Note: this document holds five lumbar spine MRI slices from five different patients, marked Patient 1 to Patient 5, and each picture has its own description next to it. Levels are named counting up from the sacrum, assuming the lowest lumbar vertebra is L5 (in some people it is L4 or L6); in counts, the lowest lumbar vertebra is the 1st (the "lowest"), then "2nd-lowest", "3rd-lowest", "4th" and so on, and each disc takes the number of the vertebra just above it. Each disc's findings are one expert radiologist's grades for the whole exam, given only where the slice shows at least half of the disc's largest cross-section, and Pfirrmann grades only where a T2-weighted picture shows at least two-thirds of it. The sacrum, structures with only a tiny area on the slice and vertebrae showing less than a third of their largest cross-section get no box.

Patient 1 of 5:
Lumbar spine MR, T2-weighted, sagittal 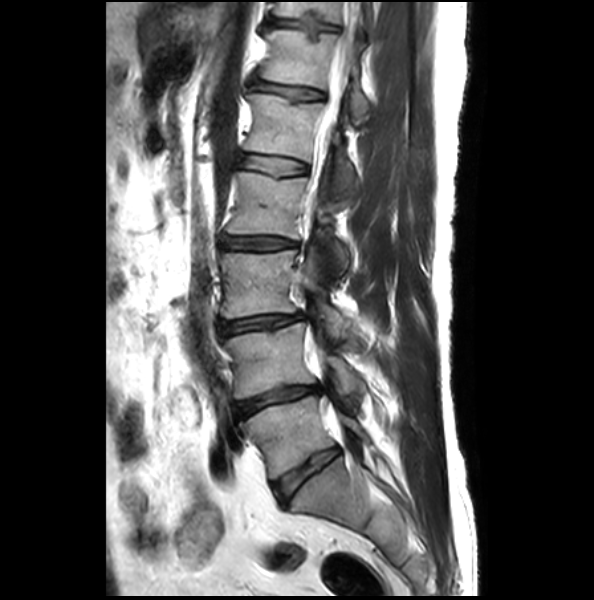 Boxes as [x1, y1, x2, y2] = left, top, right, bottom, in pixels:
L5 (lowest vertebra) at [240, 394, 374, 480], intervertebral disc L5/S1 (lowest disc) at [273, 447, 340, 501], intervertebral disc T11/T12 (7th disc) at [269, 20, 337, 37], T12/L1 (6th disc) at [255, 82, 322, 100], L3 (3rd-lowest vertebra) at [221, 243, 348, 342], spinal canal at [320, 3, 361, 139], intervertebral disc L3/L4 (3rd-lowest disc) at [220, 314, 301, 336], T12 (6th vertebra) at [260, 31, 370, 124], L4 (2nd-lowest vertebra) at [224, 324, 366, 399], L1/L2 (5th disc) at [241, 156, 307, 176], L2 (4th vertebra) at [227, 163, 349, 271], T11 (7th vertebra) at [274, 2, 376, 33], L4/L5 (2nd-lowest disc) at [235, 385, 319, 418], intervertebral disc L2/L3 (4th disc) at [223, 237, 296, 250], L1 (5th vertebra) at [245, 95, 354, 195].

Expert MSK radiologist gradings (per disc):
- L5/S1 (lowest disc): Pfirrmann grade 1, lower-endplate change, upper-endplate change
- L1/L2 (5th disc): Pfirrmann grade 1, upper-endplate change
- L2/L3 (4th disc): Pfirrmann grade 2, disc narrowing, disc bulging
- T11/T12 (7th disc): Pfirrmann grade 1, upper-endplate change, lower-endplate change, disc bulging
- L4/L5 (2nd-lowest disc): Pfirrmann grade 2, disc narrowing, disc bulging, lower-endplate change
- L3/L4 (3rd-lowest disc): Pfirrmann grade 2, disc narrowing, disc bulging
- T12/L1 (6th disc): Pfirrmann grade 2, disc bulging, upper-endplate change

Patient 2 of 5:
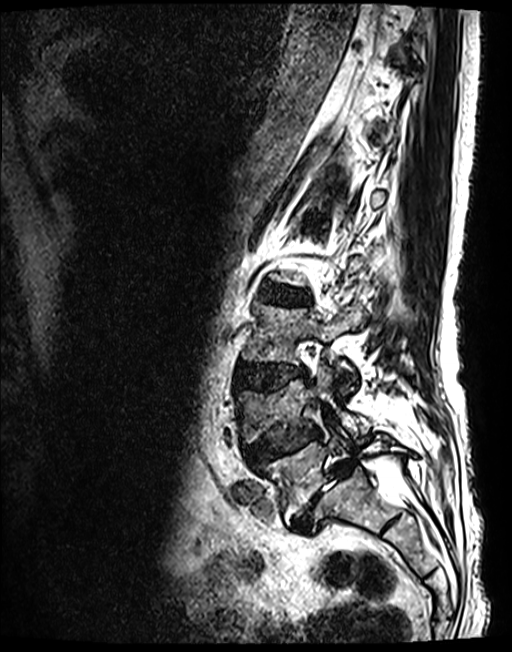

MRI lumbar spine (T2 SPACE (3D)), sagittal plane
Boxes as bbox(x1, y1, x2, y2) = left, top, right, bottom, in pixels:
L4/L5: bbox(245, 428, 318, 464) | L4: bbox(237, 370, 369, 441) | L3/L4: bbox(236, 364, 305, 389) | L3: bbox(244, 306, 363, 369) | L5/S1: bbox(291, 464, 352, 533) | L2/L3: bbox(262, 287, 310, 304) | L5 vertebra: bbox(262, 435, 407, 523)

Per-level radiological findings:
- L2/L3: disc bulging
- L4/L5: Pfirrmann grade 3, disc narrowing, disc herniation, spondylolisthesis, lower-endplate change, upper-endplate change
- L3/L4: Pfirrmann grade 3, upper-endplate change, lower-endplate change, disc bulging
- L5/S1: Pfirrmann grade 5, disc herniation, spondylolisthesis, Modic type II, disc narrowing

Patient 3 of 5:
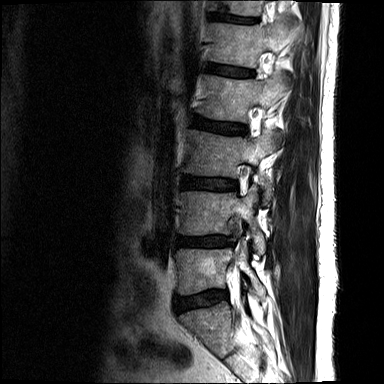 384x384 px | Sagittal T2-weighted lumbar spine MRI | Slice spacing 5.1 mm
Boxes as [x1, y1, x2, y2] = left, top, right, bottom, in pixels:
Structures:
• 3rd-lowest vertebra at [184, 129, 280, 200]
• 4th disc at [191, 116, 246, 133]
• 3rd-lowest disc at [182, 176, 235, 190]
• lowest disc at [175, 291, 225, 312]
• 5th disc at [205, 64, 253, 76]
• 2nd-lowest disc at [176, 236, 231, 246]
• 4th vertebra at [198, 72, 289, 122]
• 5th vertebra at [208, 17, 299, 67]
• lowest vertebra at [175, 240, 265, 300]
• 6th vertebra at [210, 0, 263, 15]
• 6th disc at [210, 13, 256, 23]
• 2nd-lowest vertebra at [180, 185, 265, 259]

Expert MSK radiologist gradings (per disc):
• 5th disc: Pfirrmann grade 3, upper-endplate change
• 6th disc: Pfirrmann grade 3, upper-endplate change, lower-endplate change
• 3rd-lowest disc: Pfirrmann grade 3, upper-endplate change
• 4th disc: Pfirrmann grade 3, upper-endplate change
• 2nd-lowest disc: Pfirrmann grade 3, disc herniation, disc bulging, disc narrowing
• lowest disc: Pfirrmann grade 3, disc bulging

Patient 4 of 5:
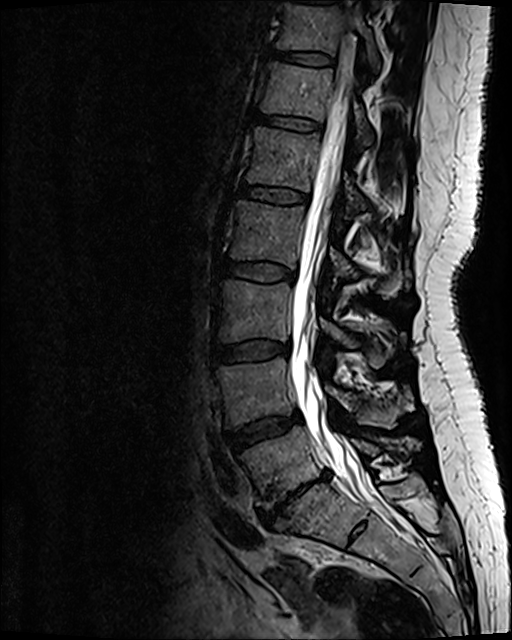 Lumbar spine MR, T2 SPACE (3D), sagittal, Field of view 240x300 mm, Slice 67/120
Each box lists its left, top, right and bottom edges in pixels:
L3 at left=216, top=281, right=386, bottom=367; thecal sac / spinal canal at left=290, top=32, right=393, bottom=513; L4 vertebra at left=216, top=358, right=412, bottom=427; disc L4/L5 at left=227, top=413, right=301, bottom=451; disc T11/T12 at left=270, top=50, right=331, bottom=64; L1 vertebra at left=246, top=128, right=366, bottom=209; L5/S1 at left=259, top=471, right=329, bottom=524; L2 at left=230, top=201, right=403, bottom=299; L2/L3 at left=219, top=260, right=294, bottom=280; T11 vertebra at left=275, top=6, right=379, bottom=68; T12/L1 at left=256, top=114, right=320, bottom=131; L3/L4 at left=212, top=341, right=289, bottom=363; L5 at left=241, top=427, right=379, bottom=508; disc L1/L2 at left=240, top=184, right=307, bottom=204; T12 at left=261, top=63, right=373, bottom=142.

Expert MSK radiologist gradings (per disc):
  L4/L5: Pfirrmann grade 3, disc bulging
  T11/T12: Pfirrmann grade 2
  T12/L1: Pfirrmann grade 2
  L3/L4: Pfirrmann grade 2, disc bulging
  L5/S1: Pfirrmann grade 5, lower-endplate change, Modic type III, disc narrowing, disc herniation, disc bulging, upper-endplate change
  L2/L3: Pfirrmann grade 2
  L1/L2: Pfirrmann grade 2

Patient 5 of 5:
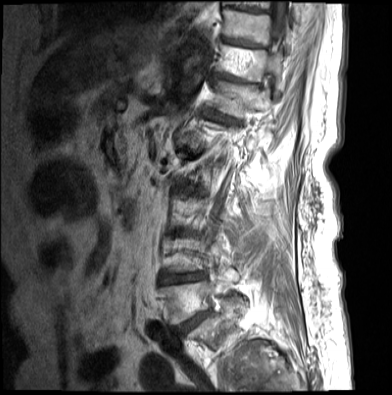
Lumbar spine MR, T1-weighted, sagittal

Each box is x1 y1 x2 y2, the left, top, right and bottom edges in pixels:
{"T12/L1": "203 109 240 124", "T12": "211 79 273 118", "intervertebral disc T11/T12": "213 72 259 85", "T11": "216 43 284 96", "intervertebral disc L5/S1": "173 311 209 336", "T9 vertebra": "227 1 270 8", "L5 vertebra": "159 268 239 324", "intervertebral disc T10/T11": "221 37 265 47", "T10": "222 6 293 44", "intervertebral disc T9/T10": "231 5 269 11", "thecal sac / spinal canal": "269 0 288 59", "L4/L5": "159 273 206 284"}

Expert MSK radiologist gradings (per disc):
- T12/L1: upper-endplate change, Modic type II, disc narrowing, lower-endplate change, disc bulging
- L4/L5: disc narrowing, Modic type II, disc bulging, upper-endplate change, lower-endplate change
- T10/T11: Modic type II
- T11/T12: disc narrowing, Modic type II, disc bulging
- L5/S1: disc narrowing, Modic type II, disc bulging, spondylolisthesis
- T9/T10: no herniation, bulging, narrowing, spondylolisthesis, endplate or Modic change recorded